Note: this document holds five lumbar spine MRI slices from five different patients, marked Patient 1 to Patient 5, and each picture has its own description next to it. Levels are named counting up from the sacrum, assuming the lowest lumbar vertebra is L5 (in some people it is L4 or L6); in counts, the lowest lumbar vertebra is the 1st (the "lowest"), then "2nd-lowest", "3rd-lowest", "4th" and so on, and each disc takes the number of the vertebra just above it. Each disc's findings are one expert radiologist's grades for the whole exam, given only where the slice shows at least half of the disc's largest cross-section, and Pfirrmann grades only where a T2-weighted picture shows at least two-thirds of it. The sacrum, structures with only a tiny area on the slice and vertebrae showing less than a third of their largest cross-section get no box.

Patient 1 of 5:
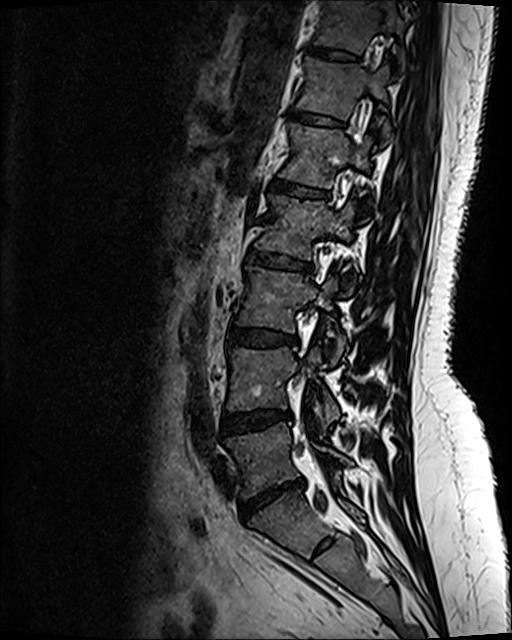 Slice 46 of 120. Lumbar spine MR, T2 SPACE (3D), sagittal.
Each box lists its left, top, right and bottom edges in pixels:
L3 vertebra at left=235, top=267, right=346, bottom=365; L2 vertebra at left=255, top=196, right=353, bottom=291; L4/L5 at left=222, top=411, right=290, bottom=433; L3/L4 at left=229, top=330, right=298, bottom=348; T11 vertebra at left=314, top=2, right=404, bottom=70; L5/S1 at left=241, top=482, right=302, bottom=519; disc L2/L3 at left=246, top=252, right=312, bottom=273; T12 at left=296, top=59, right=392, bottom=142; L5 at left=227, top=426, right=351, bottom=497; disc T11/T12 at left=306, top=48, right=359, bottom=64; L4 at left=228, top=348, right=339, bottom=426; disc T12/L1 at left=289, top=112, right=345, bottom=129; L1/L2 at left=271, top=181, right=328, bottom=197; L1 at left=280, top=124, right=376, bottom=210.

Expert MSK radiologist gradings (per disc):
- L1/L2: Pfirrmann grade 2, upper-endplate change, lower-endplate change
- L2/L3: Pfirrmann grade 4, disc bulging, lower-endplate change, upper-endplate change
- L4/L5: disc bulging
- L5/S1: disc herniation, disc bulging, disc narrowing
- T11/T12: Pfirrmann grade 2
- L3/L4: Pfirrmann grade 2, disc bulging
- T12/L1: Pfirrmann grade 2, lower-endplate change, upper-endplate change

Patient 2 of 5:
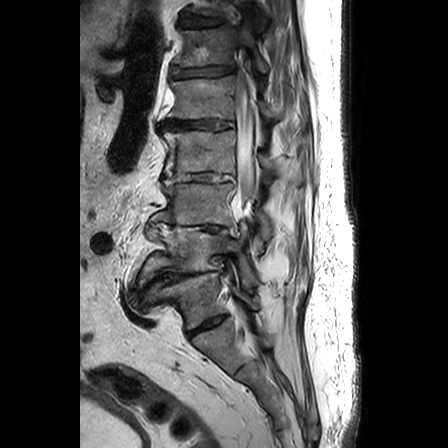
Sex M. Sagittal slice index 16. Lumbar spine MR, T2-weighted, sagittal.
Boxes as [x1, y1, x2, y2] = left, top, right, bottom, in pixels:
• IVD T11/T12 (7th disc) — [179, 17, 224, 27]
• L5/S1 (lowest disc) — [188, 315, 224, 336]
• L2 (4th vertebra) — [161, 130, 280, 173]
• L2/L3 (4th disc) — [171, 173, 232, 181]
• L4 (2nd-lowest vertebra) — [139, 225, 256, 289]
• T12/L1 (6th disc) — [171, 67, 233, 78]
• T12 (6th vertebra) — [174, 26, 268, 73]
• L1 (5th vertebra) — [167, 76, 277, 119]
• L3 (3rd-lowest vertebra) — [159, 181, 272, 254]
• IVD L4/L5 (2nd-lowest disc) — [146, 269, 209, 287]
• spinal canal — [235, 71, 256, 219]
• L3/L4 (3rd-lowest disc) — [161, 222, 226, 231]
• L5 (lowest vertebra) — [156, 272, 257, 329]
• IVD L1/L2 (5th disc) — [161, 120, 232, 130]

Degenerative findings by level:
  T11/T12 (7th disc): Pfirrmann grade 3, upper-endplate change, disc bulging, disc narrowing
  L3/L4 (3rd-lowest disc): disc narrowing, disc herniation, Modic type II, disc bulging
  L2/L3 (4th disc): Pfirrmann grade 4, disc bulging, disc narrowing
  L1/L2 (5th disc): Pfirrmann grade 4, disc bulging, disc narrowing
  T12/L1 (6th disc): Pfirrmann grade 4, disc herniation, disc bulging, disc narrowing

Patient 3 of 5:
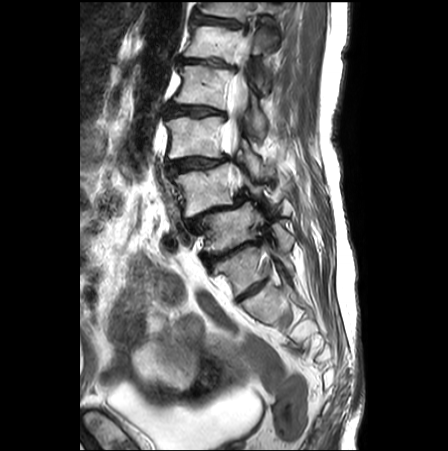 Slice 11 of 26, 448x451 px, Sagittal T2-weighted lumbar spine MRI, Slice spacing 3.3 mm
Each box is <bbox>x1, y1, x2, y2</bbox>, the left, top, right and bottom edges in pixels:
L2/L3: <bbox>164, 104, 227, 118</bbox>
L1: <bbox>185, 25, 269, 92</bbox>
thecal sac / spinal canal: <bbox>221, 63, 249, 179</bbox>
L2 vertebra: <bbox>172, 64, 266, 137</bbox>
L4 vertebra: <bbox>173, 163, 267, 216</bbox>
intervertebral disc T12/L1: <bbox>190, 10, 242, 28</bbox>
intervertebral disc L4/L5: <bbox>185, 192, 254, 232</bbox>
intervertebral disc L1/L2: <bbox>178, 57, 236, 70</bbox>
L3 vertebra: <bbox>166, 116, 260, 174</bbox>
L5/S1: <bbox>202, 237, 261, 269</bbox>
T12 vertebra: <bbox>199, 2, 278, 20</bbox>
intervertebral disc L3/L4: <bbox>166, 157, 225, 172</bbox>
L5 vertebra: <bbox>199, 201, 293, 252</bbox>

Radiological gradings:
  T12/L1: Pfirrmann grade 4, upper-endplate change, lower-endplate change, disc bulging
  L5/S1: Pfirrmann grade 5, upper-endplate change, disc herniation, Modic type II, disc narrowing, disc bulging, lower-endplate change
  L4/L5: Pfirrmann grade 5, spondylolisthesis, lower-endplate change, upper-endplate change, disc herniation, Modic type II, disc narrowing, disc bulging
  L1/L2: Pfirrmann grade 5, disc narrowing, lower-endplate change, disc bulging
  L2/L3: Pfirrmann grade 4, lower-endplate change, upper-endplate change, Modic type II, disc narrowing, disc bulging, spondylolisthesis
  L3/L4: Pfirrmann grade 4, Modic type II, upper-endplate change, lower-endplate change, disc narrowing, spondylolisthesis, disc bulging

Patient 4 of 5:
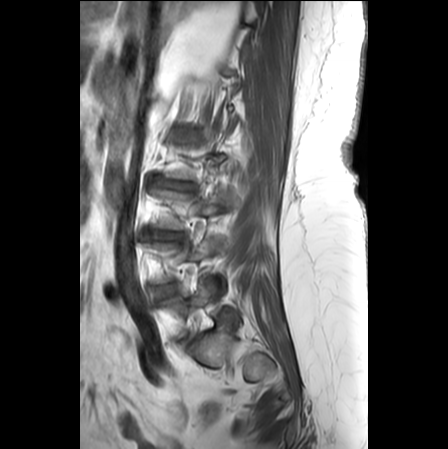 Sagittal T1-weighted lumbar spine MRI; Patient sex: F
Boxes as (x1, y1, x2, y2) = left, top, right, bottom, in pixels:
3rd-lowest disc: (144, 230, 183, 241).
Lowest vertebra: (164, 280, 240, 336).
2nd-lowest disc: (158, 284, 176, 295).
4th disc: (149, 177, 193, 189).

Degenerative findings by level:
  3rd-lowest disc: disc bulging, lower-endplate change, disc narrowing, upper-endplate change
  4th disc: Modic type II, lower-endplate change, disc narrowing, upper-endplate change, disc herniation

Patient 5 of 5:
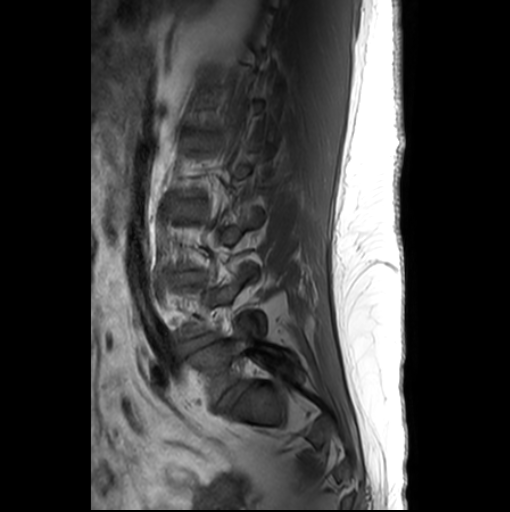 Image 510x512 | Lumbar spine MR, T1-weighted, sagittal | Slice spacing 3.3 mm

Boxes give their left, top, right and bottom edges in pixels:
L4/L5 (2nd-lowest disc): left=189, top=334, right=215, bottom=348
L5/S1 (lowest disc): left=217, top=382, right=249, bottom=407
L5 (lowest vertebra): left=191, top=329, right=294, bottom=401